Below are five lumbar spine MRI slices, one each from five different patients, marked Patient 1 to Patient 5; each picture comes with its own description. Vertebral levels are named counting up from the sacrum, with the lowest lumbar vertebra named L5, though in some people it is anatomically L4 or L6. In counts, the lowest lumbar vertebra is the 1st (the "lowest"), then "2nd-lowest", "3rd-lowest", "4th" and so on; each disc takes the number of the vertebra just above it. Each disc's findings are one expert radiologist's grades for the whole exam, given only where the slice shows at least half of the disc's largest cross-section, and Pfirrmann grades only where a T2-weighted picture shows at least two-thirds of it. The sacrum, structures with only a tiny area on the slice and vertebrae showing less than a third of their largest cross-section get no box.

Patient 1 of 5:
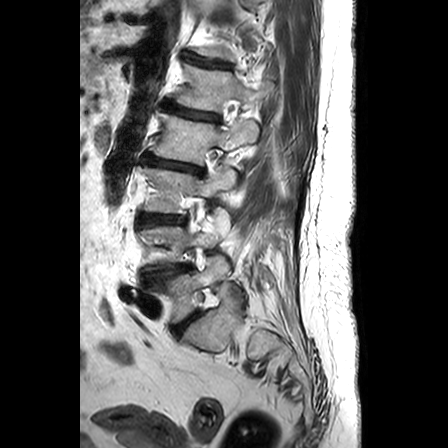 Slice 19/24, Sex F, Lumbar spine MR, T2-weighted, sagittal

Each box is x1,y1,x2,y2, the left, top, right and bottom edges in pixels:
{"intervertebral disc L5/S1": "174,313,198,335", "L1": "174,63,273,112", "L2/L3": "142,154,203,175", "L1/L2": "164,103,219,121", "T12/L1": "184,54,230,68", "L3 vertebra": "142,166,236,213", "intervertebral disc L4/L5": "143,265,191,283", "L3/L4": "139,214,184,225", "L5": "147,254,229,323", "L4": "141,209,229,270", "L2 vertebra": "151,113,259,165"}

Radiological gradings:
- L3/L4: disc bulging
- T12/L1: Pfirrmann grade 3, disc narrowing
- L2/L3: Pfirrmann grade 5, spondylolisthesis, disc bulging, disc narrowing, Modic type II
- L4/L5: Pfirrmann grade 4, disc narrowing, disc bulging
- L1/L2: Pfirrmann grade 3, disc narrowing, Modic type II

Patient 2 of 5:
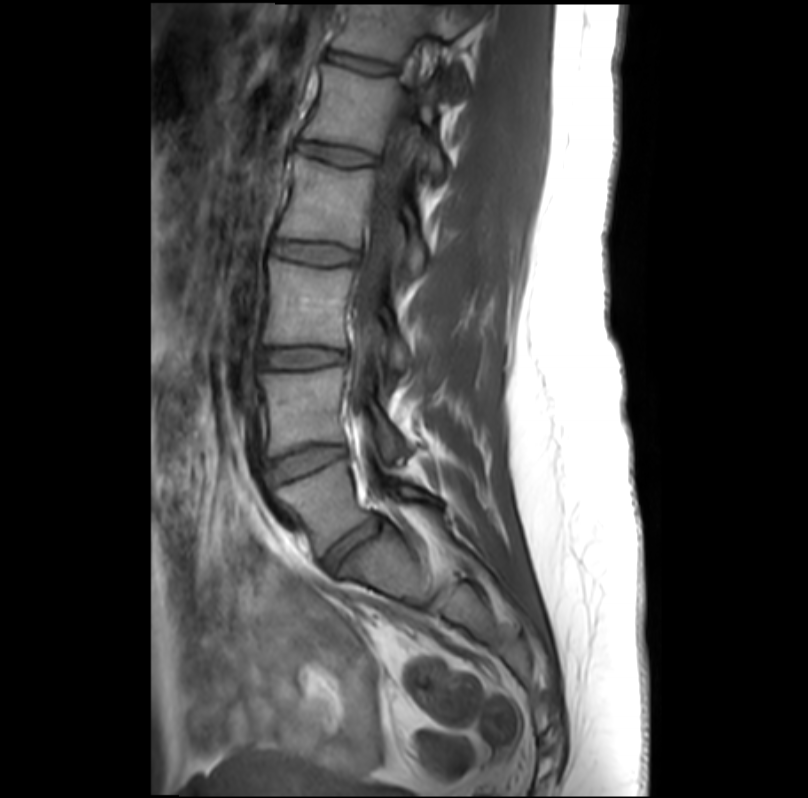 Field of view 286x282 mm, slice spacing 3.4 mm, MRI lumbar spine (T1-weighted), sagittal plane

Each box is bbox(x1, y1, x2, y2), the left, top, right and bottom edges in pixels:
Segmented structures:
* L5/S1 = bbox(324, 514, 383, 566)
* thecal sac / spinal canal = bbox(351, 113, 412, 414)
* L2 vertebra = bbox(278, 155, 428, 279)
* L3/L4 = bbox(261, 346, 345, 366)
* L4/L5 = bbox(268, 445, 347, 481)
* L4 = bbox(261, 367, 406, 456)
* L3 = bbox(265, 258, 413, 370)
* L1 vertebra = bbox(304, 65, 445, 181)
* intervertebral disc L2/L3 = bbox(273, 239, 356, 264)
* intervertebral disc L1/L2 = bbox(299, 141, 376, 164)
* T12 = bbox(334, 5, 483, 98)
* intervertebral disc T12/L1 = bbox(328, 51, 395, 73)
* L5 = bbox(277, 461, 446, 554)

Degenerative findings by level:
  L3/L4: disc bulging
  L5/S1: disc narrowing
  L2/L3, L4/L5, T12/L1, L1/L2: no herniation, bulging, narrowing, spondylolisthesis, endplate or Modic change recorded

Patient 3 of 5:
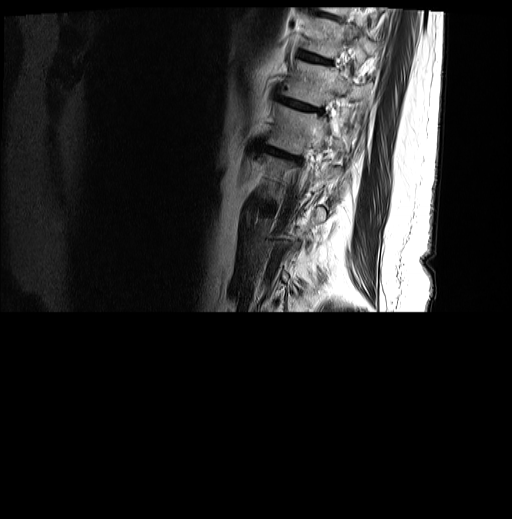
Sagittal T2-weighted lumbar spine MRI
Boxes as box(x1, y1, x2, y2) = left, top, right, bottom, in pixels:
T11 vertebra: box(281, 60, 371, 105).
T12/L1: box(266, 146, 298, 159).
Intervertebral disc T11/T12: box(279, 98, 319, 111).
T12 vertebra: box(268, 104, 341, 154).
T10 vertebra: box(305, 17, 380, 60).
Intervertebral disc T10/T11: box(300, 51, 329, 63).

Expert MSK radiologist gradings (per disc):
- T11/T12: Pfirrmann grade 5, upper-endplate change, Modic type II, lower-endplate change, disc narrowing, disc bulging
- T10/T11: Modic type II, lower-endplate change, upper-endplate change

Patient 4 of 5:
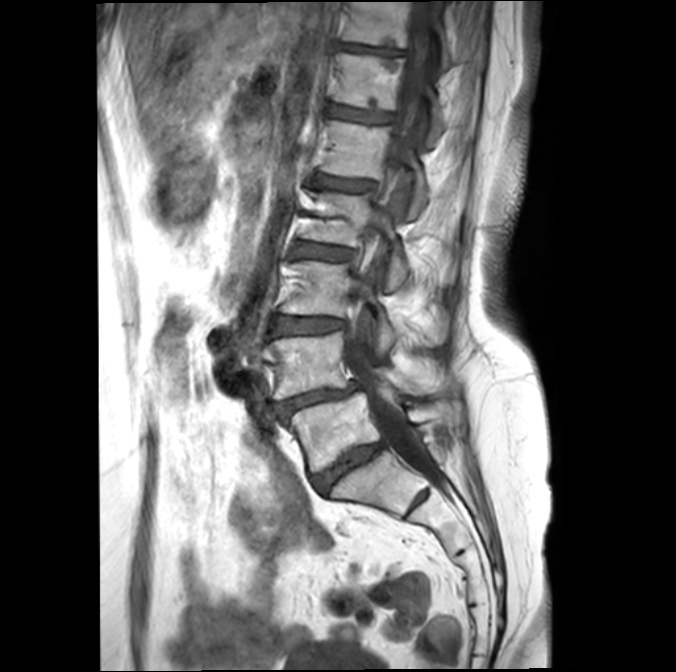 Sex F; Lumbar spine MR, T1-weighted, sagittal
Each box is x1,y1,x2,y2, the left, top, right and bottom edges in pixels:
Intervertebral disc L4/L5: 276,383,358,414.
T12/L1: 329,103,391,121.
L3: 282,261,445,354.
T11/T12: 342,42,402,54.
Thecal sac / spinal canal: 346,0,436,483.
L2/L3: 296,242,350,260.
L5 vertebra: 290,392,458,471.
T12: 332,52,448,139.
L3/L4: 272,316,345,335.
L1 vertebra: 321,121,428,215.
T11: 344,1,462,62.
L5/S1: 313,441,385,490.
L2 vertebra: 304,193,410,290.
L4 vertebra: 270,331,448,397.
Intervertebral disc L1/L2: 316,176,373,191.

Per-level radiological findings:
• T11/T12: disc bulging, upper-endplate change, lower-endplate change
• L1/L2: Modic type II, lower-endplate change
• L3/L4: lower-endplate change, upper-endplate change, Modic type II, disc bulging
• L5/S1: lower-endplate change, disc narrowing, Modic type II, disc bulging
• L4/L5: disc narrowing, spondylolisthesis, lower-endplate change, disc bulging, Modic type II
• L2/L3: upper-endplate change, Modic type II
• T12/L1: lower-endplate change, upper-endplate change, Modic type II

Patient 5 of 5:
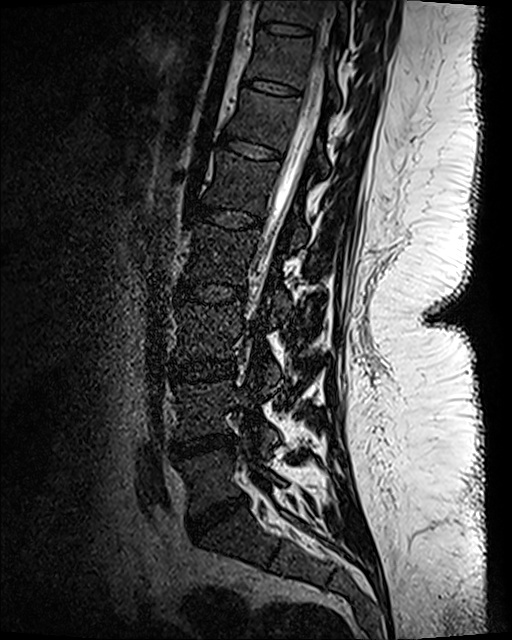
MRI lumbar spine (T2 SPACE (3D)), sagittal plane | Sagittal slice index 67

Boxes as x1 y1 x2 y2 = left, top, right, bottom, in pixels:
L3 vertebra at 176 304 280 392, L5 vertebra at 181 443 283 513, L2 at 184 222 291 323, thecal sac / spinal canal at 259 0 335 272, T11/T12 at 242 78 302 96, L4/L5 at 176 434 233 459, L3/L4 at 171 358 234 382, intervertebral disc L1/L2 at 187 204 262 229, T12 vertebra at 228 89 329 173, L1 vertebra at 205 152 308 250, T10 vertebra at 260 0 347 38, L4 vertebra at 177 379 280 454, intervertebral disc L5/S1 at 187 496 247 536, L2/L3 at 175 280 246 303, intervertebral disc T12/L1 at 217 130 283 159, T11 at 247 32 340 105, intervertebral disc T10/T11 at 262 22 310 36.

Expert MSK radiologist gradings (per disc):
  T12/L1: Pfirrmann grade 1
  L5/S1: Pfirrmann grade 4, disc narrowing, disc bulging
  L3/L4: Pfirrmann grade 1
  T10/T11: Pfirrmann grade 1
  L1/L2: Pfirrmann grade 1
  T11/T12: Pfirrmann grade 1
  L4/L5: disc bulging, disc narrowing
  L2/L3: Pfirrmann grade 1